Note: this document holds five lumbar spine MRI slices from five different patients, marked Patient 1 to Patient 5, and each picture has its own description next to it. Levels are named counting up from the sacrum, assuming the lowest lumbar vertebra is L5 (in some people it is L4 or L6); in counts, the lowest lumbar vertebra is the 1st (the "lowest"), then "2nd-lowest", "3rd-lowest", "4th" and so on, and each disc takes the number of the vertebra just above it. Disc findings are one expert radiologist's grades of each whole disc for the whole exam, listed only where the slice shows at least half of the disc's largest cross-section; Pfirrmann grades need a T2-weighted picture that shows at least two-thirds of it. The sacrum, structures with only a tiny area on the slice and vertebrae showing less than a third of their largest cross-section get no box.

Patient 1 of 5:
Philips Healthcare Ingenia (3T), T1-weighted sagittal MRI of the lumbar spine, Slice 16/27, 448x452 px
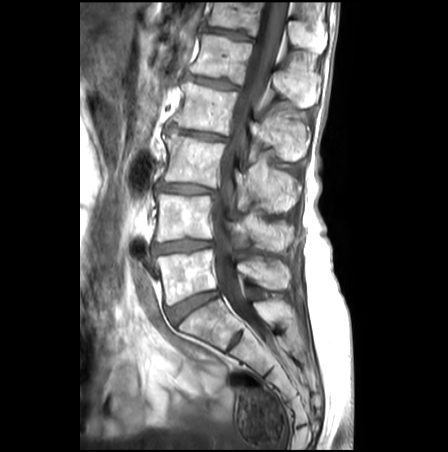

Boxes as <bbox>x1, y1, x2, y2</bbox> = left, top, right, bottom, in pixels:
6th vertebra at <bbox>206, 2, 327, 53</bbox>, 4th vertebra at <bbox>173, 81, 308, 160</bbox>, lowest disc at <bbox>167, 291, 218, 324</bbox>, 5th disc at <bbox>187, 74, 238, 89</bbox>, 3rd-lowest vertebra at <bbox>163, 131, 298, 210</bbox>, lowest vertebra at <bbox>156, 249, 289, 305</bbox>, 2nd-lowest disc at <bbox>152, 239, 212, 254</bbox>, 3rd-lowest disc at <bbox>156, 182, 214, 193</bbox>, 2nd-lowest vertebra at <bbox>155, 194, 292, 252</bbox>, 4th disc at <bbox>169, 125, 225, 141</bbox>, 5th vertebra at <bbox>190, 34, 319, 108</bbox>, 6th disc at <bbox>203, 27, 251, 39</bbox>, thecal sac / spinal canal at <bbox>211, 1, 286, 325</bbox>.

Degenerative findings by level:
• 6th disc: lower-endplate change, upper-endplate change
• 3rd-lowest disc: upper-endplate change, disc narrowing, lower-endplate change, Modic type II, disc bulging
• 2nd-lowest disc: disc bulging, Modic type II, disc narrowing, lower-endplate change, upper-endplate change
• 4th disc: lower-endplate change, disc bulging, disc narrowing, upper-endplate change, Modic type II
• 5th disc: upper-endplate change, lower-endplate change, disc bulging
• lowest disc: no Modic or endplate change, herniation, narrowing, bulging or spondylolisthesis recorded

Patient 2 of 5:
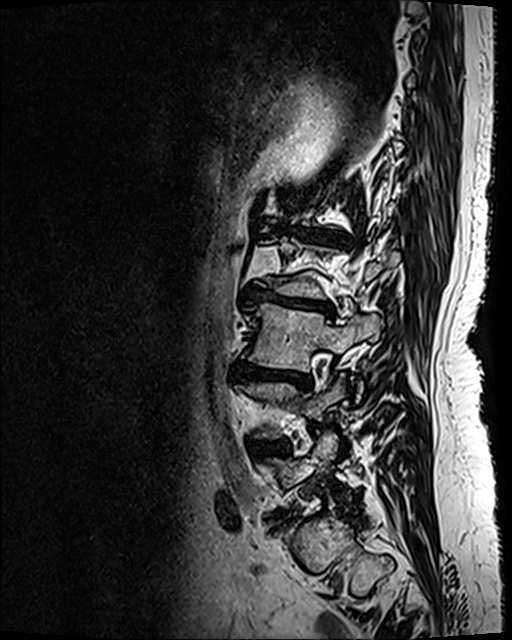 Slice spacing 0.9 mm; T2 SPACE (3D) sagittal MRI of the lumbar spine; Slice 86/120
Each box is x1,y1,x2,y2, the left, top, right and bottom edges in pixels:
4th disc at 243,287,332,315.
2nd-lowest disc at 247,442,288,453.
5th disc at 290,228,342,243.
3rd-lowest disc at 230,363,310,387.
3rd-lowest vertebra at 243,303,381,397.

Per-level radiological findings:
• 5th disc: Modic type II, disc narrowing, lower-endplate change, disc bulging, upper-endplate change
• 4th disc: Pfirrmann grade 5, Modic type II, upper-endplate change, disc bulging, lower-endplate change, disc narrowing
• 3rd-lowest disc: Pfirrmann grade 5, upper-endplate change, disc bulging, disc narrowing, Modic type II, lower-endplate change

Patient 3 of 5:
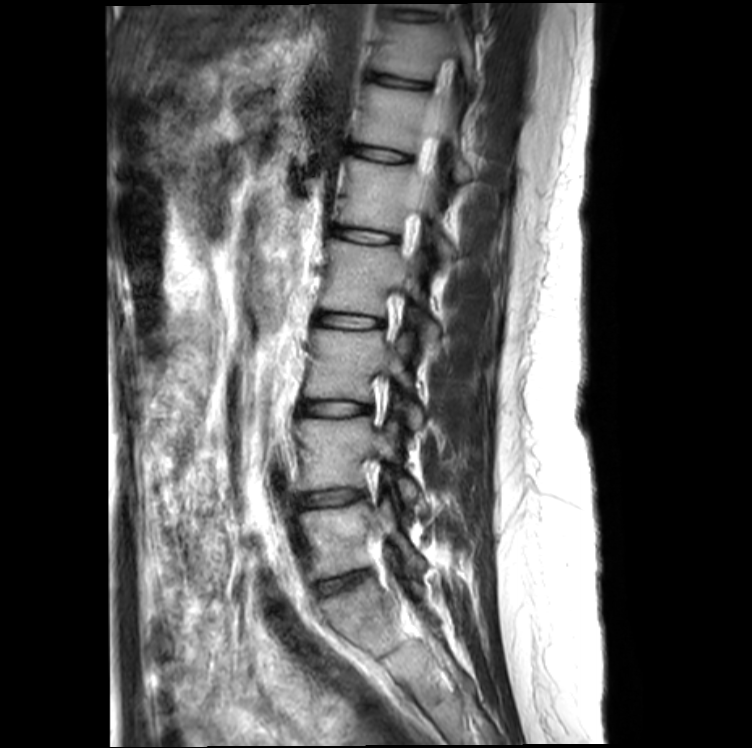 752x748 px, Slice spacing 4.4 mm, MRI lumbar spine (T2-weighted), sagittal plane
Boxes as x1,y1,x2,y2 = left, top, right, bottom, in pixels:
Structures:
- L3: 304,330,423,430
- T12 vertebra: 354,84,471,181
- L5 vertebra: 303,500,426,579
- T10 vertebra: 398,3,481,23
- IVD T10/T11: 395,11,437,21
- L3/L4: 301,401,370,415
- IVD L4/L5: 301,490,365,506
- L1: 338,157,457,267
- T12/L1: 349,145,408,162
- IVD L2/L3: 316,312,382,329
- spinal canal: 409,57,454,251
- L2 vertebra: 320,239,439,356
- T11/T12: 372,74,428,88
- L1/L2: 333,226,397,242
- L4: 299,415,418,505
- IVD L5/S1: 319,572,366,594
- T11: 374,20,476,90

Radiological gradings:
  L2/L3: Pfirrmann grade 2
  T11/T12: disc bulging, lower-endplate change
  T12/L1: Pfirrmann grade 2
  L3/L4: Pfirrmann grade 2
  L1/L2: Pfirrmann grade 2
  T10/T11, L4/L5: no herniation, bulging, narrowing, spondylolisthesis, endplate or Modic change recorded

Patient 4 of 5:
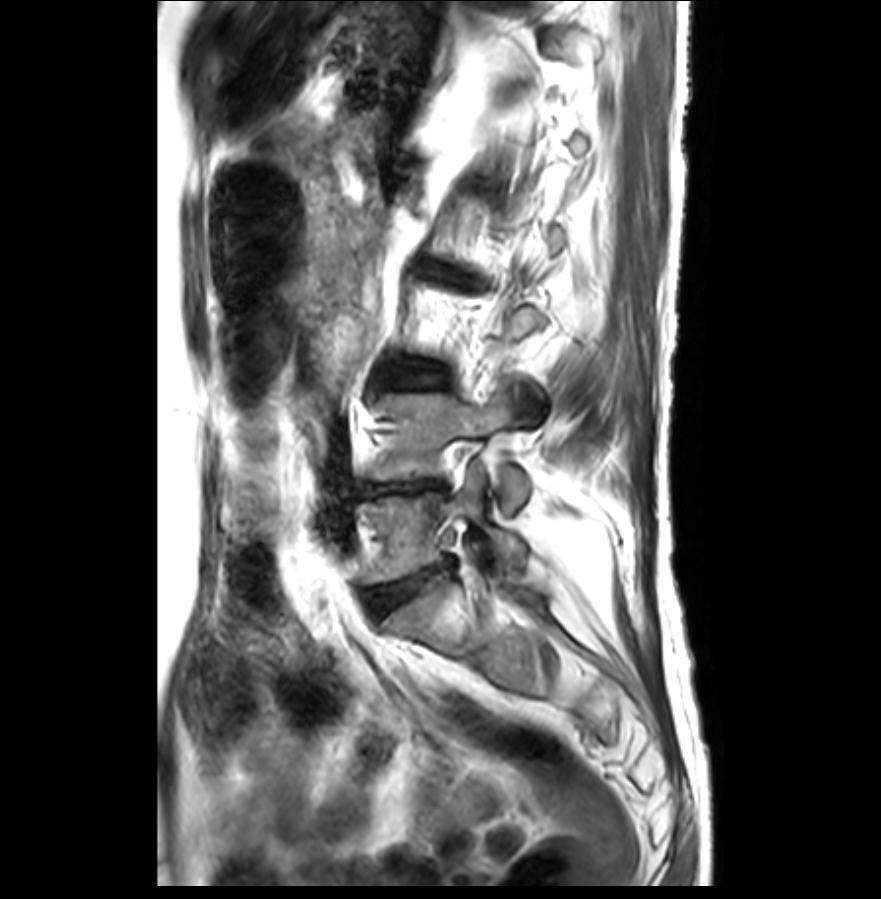 Field of view 280x286 mm, slice spacing 3.3 mm. Lumbar spine MR, T2-weighted, sagittal.
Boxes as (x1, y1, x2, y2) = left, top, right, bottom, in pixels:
{"intervertebral disc L5/S1 (lowest disc)": "(366, 559, 451, 615)", "L4 (2nd-lowest vertebra)": "(370, 387, 528, 516)", "intervertebral disc L3/L4 (3rd-lowest disc)": "(387, 363, 445, 386)", "L2/L3 (4th disc)": "(417, 263, 481, 289)", "L5 (lowest vertebra)": "(358, 466, 526, 583)", "intervertebral disc L4/L5 (2nd-lowest disc)": "(362, 482, 444, 496)"}

Degenerative findings by level:
• L5/S1 (lowest disc): lower-endplate change, upper-endplate change, disc narrowing, disc bulging
• L2/L3 (4th disc): lower-endplate change, upper-endplate change, disc herniation, disc narrowing, Modic type II, disc bulging
• L4/L5 (2nd-lowest disc): Modic type II, disc bulging, disc narrowing

Patient 5 of 5:
Slice 9 of 30. Lumbar spine MR, T2-weighted, sagittal.
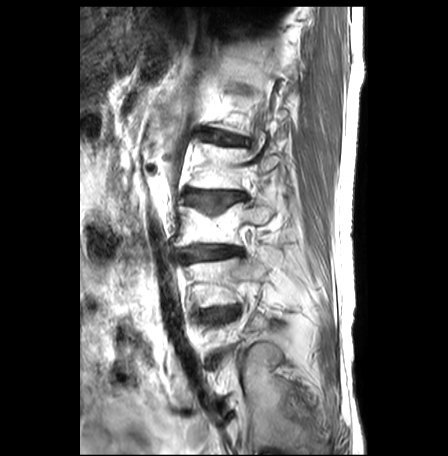

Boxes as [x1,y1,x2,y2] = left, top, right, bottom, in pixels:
IVD L2/L3: [185,191,245,213] | L2 vertebra: [190,143,280,188] | IVD L1/L2: [200,129,243,143] | L4 vertebra: [185,246,278,308] | IVD L4/L5: [205,308,237,319] | L3/L4: [181,245,240,262] | L3 vertebra: [174,200,280,245]

Radiological gradings:
- L3/L4: Pfirrmann grade 3, disc narrowing, disc bulging, upper-endplate change, Modic type II, lower-endplate change
- L2/L3: Pfirrmann grade 3, upper-endplate change, lower-endplate change, Modic type II, disc bulging, disc narrowing
- L1/L2: Modic type II, upper-endplate change, disc bulging, lower-endplate change